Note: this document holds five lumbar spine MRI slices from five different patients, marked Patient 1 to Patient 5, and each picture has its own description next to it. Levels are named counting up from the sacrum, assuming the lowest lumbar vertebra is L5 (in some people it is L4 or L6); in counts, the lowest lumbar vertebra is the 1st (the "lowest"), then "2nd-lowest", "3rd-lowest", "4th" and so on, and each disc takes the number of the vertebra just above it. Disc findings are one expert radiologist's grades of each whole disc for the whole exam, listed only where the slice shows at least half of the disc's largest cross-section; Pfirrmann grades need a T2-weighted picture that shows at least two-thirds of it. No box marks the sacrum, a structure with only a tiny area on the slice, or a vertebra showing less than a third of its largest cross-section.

Patient 1 of 5:
Sex M | T2 SPACE (3D) sagittal MRI of the lumbar spine

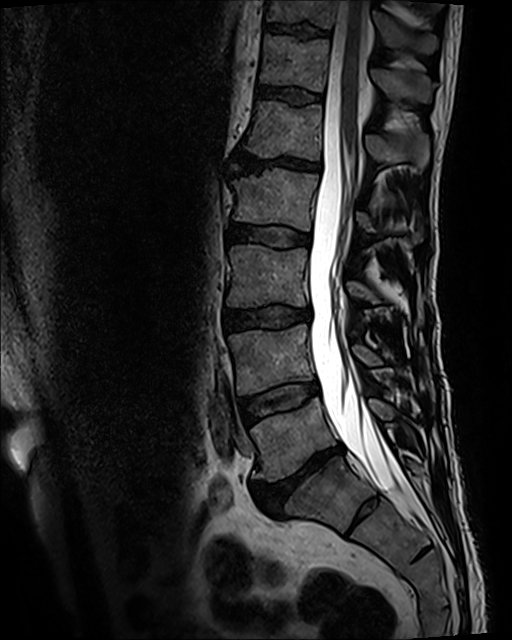

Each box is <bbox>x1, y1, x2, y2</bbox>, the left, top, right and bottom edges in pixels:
2nd-lowest vertebra — <bbox>228, 325, 381, 395</bbox>.
5th disc — <bbox>234, 152, 320, 173</bbox>.
7th disc — <bbox>265, 24, 328, 37</bbox>.
7th vertebra — <bbox>267, 0, 437, 54</bbox>.
3rd-lowest vertebra — <bbox>227, 244, 378, 306</bbox>.
Spinal canal — <bbox>308, 0, 405, 491</bbox>.
4th vertebra — <bbox>231, 167, 416, 241</bbox>.
Lowest vertebra — <bbox>251, 398, 396, 481</bbox>.
Lowest disc — <bbox>254, 445, 343, 510</bbox>.
4th disc — <bbox>228, 223, 311, 247</bbox>.
3rd-lowest disc — <bbox>223, 306, 310, 329</bbox>.
6th disc — <bbox>257, 85, 321, 104</bbox>.
2nd-lowest disc — <bbox>240, 382, 318, 422</bbox>.
5th vertebra — <bbox>244, 101, 428, 168</bbox>.
6th vertebra — <bbox>259, 34, 433, 102</bbox>.

Radiological gradings:
  7th disc: Pfirrmann grade 3, lower-endplate change, upper-endplate change
  lowest disc: Pfirrmann grade 5, disc bulging, lower-endplate change, disc narrowing, Modic type II, upper-endplate change
  6th disc: Pfirrmann grade 3
  5th disc: Pfirrmann grade 5, disc narrowing, upper-endplate change, Modic type II, lower-endplate change, disc bulging
  2nd-lowest disc: Pfirrmann grade 3, Modic type II
  3rd-lowest disc: Pfirrmann grade 3, disc bulging, upper-endplate change, lower-endplate change
  4th disc: Pfirrmann grade 3

Patient 2 of 5:
Sagittal T1-weighted lumbar spine MRI 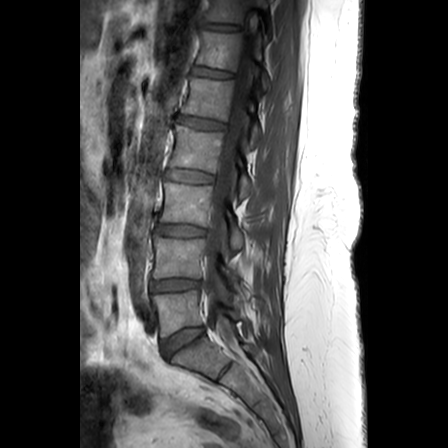

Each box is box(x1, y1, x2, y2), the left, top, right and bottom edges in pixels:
IVD L5/S1 — box(161, 326, 203, 356).
IVD L4/L5 — box(151, 278, 199, 291).
L1 vertebra — box(183, 77, 261, 145).
L2 — box(170, 124, 252, 197).
T12/L1 — box(193, 66, 232, 77).
L3/L4 — box(156, 224, 204, 235).
Spinal canal — box(203, 54, 250, 336).
L5 — box(152, 290, 246, 336).
L4 vertebra — box(152, 234, 239, 286).
IVD L2/L3 — box(166, 169, 213, 182).
T12 vertebra — box(196, 30, 269, 90).
T11 — box(204, 0, 267, 23).
T11/T12 — box(200, 22, 240, 30).
L1/L2 — box(176, 115, 225, 130).
L3 — box(159, 182, 242, 247).

Expert MSK radiologist gradings (per disc):
  L4/L5: disc narrowing
  L3/L4: upper-endplate change
  L1/L2: Modic type II, disc bulging, upper-endplate change
  L5/S1, L2/L3, T11/T12, T12/L1: no herniation, bulging, narrowing, spondylolisthesis, endplate or Modic change recorded

Patient 3 of 5:
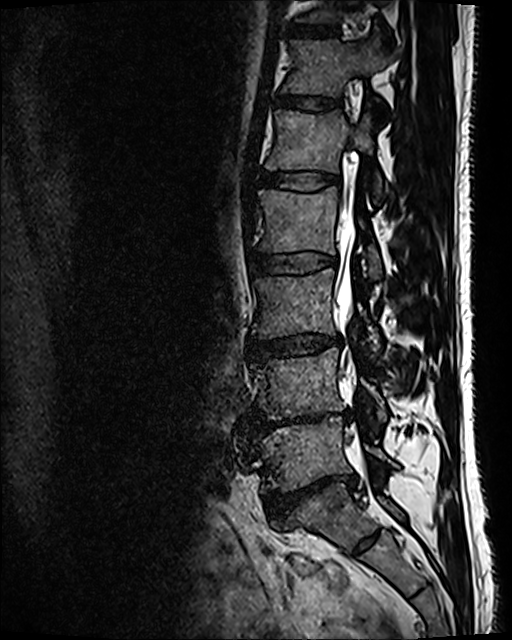 Sagittal T2 SPACE (3D) lumbar spine MRI; Slice 71/120; Field of view 240x300 mm

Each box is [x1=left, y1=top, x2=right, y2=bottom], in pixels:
L5/S1: [x1=265, y1=474, x2=356, y2=521]
T12/L1: [x1=277, y1=95, x2=341, y2=110]
L3/L4: [x1=249, y1=335, x2=340, y2=359]
L2/L3: [x1=251, y1=253, x2=335, y2=275]
L5: [x1=259, y1=419, x2=396, y2=494]
IVD L4/L5: [x1=249, y1=412, x2=336, y2=428]
L4: [x1=253, y1=348, x2=387, y2=421]
L3 vertebra: [x1=252, y1=269, x2=380, y2=350]
T12: [x1=282, y1=40, x2=391, y2=95]
IVD L1/L2: [x1=259, y1=171, x2=339, y2=190]
L2 vertebra: [x1=258, y1=187, x2=381, y2=279]
thecal sac / spinal canal: [x1=334, y1=189, x2=357, y2=440]
L1 vertebra: [x1=266, y1=110, x2=380, y2=191]
IVD T11/T12: [x1=288, y1=26, x2=340, y2=39]

Degenerative findings by level:
  L3/L4: Pfirrmann grade 3, disc narrowing, disc bulging
  L2/L3: Pfirrmann grade 2
  L1/L2: Pfirrmann grade 2
  T12/L1: Pfirrmann grade 2
  L5/S1: Pfirrmann grade 5, lower-endplate change, disc bulging, spondylolisthesis, disc narrowing
  T11/T12: no Modic or endplate change, herniation, narrowing, bulging or spondylolisthesis recorded

Patient 4 of 5:
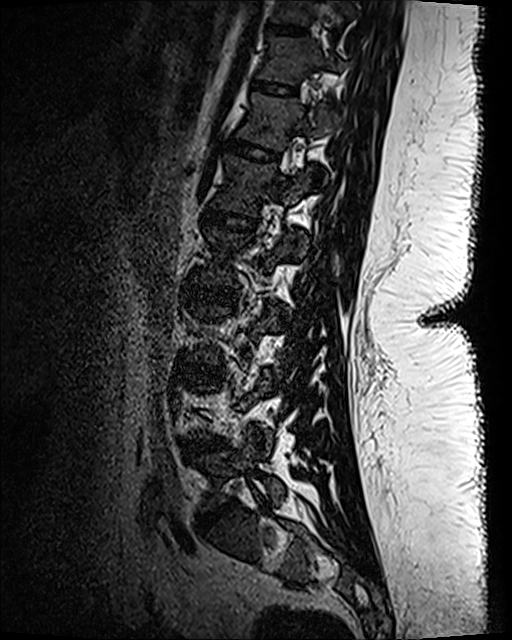 Slice 76 of 120. T2 SPACE (3D) sagittal MRI of the lumbar spine. Image 512x640.
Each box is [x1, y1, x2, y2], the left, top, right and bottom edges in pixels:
6th disc = [224, 137, 281, 163].
4th disc = [187, 283, 236, 305].
6th vertebra = [239, 94, 333, 149].
7th disc = [250, 78, 296, 96].
Lowest disc = [200, 500, 237, 528].
8th vertebra = [271, 0, 350, 26].
4th vertebra = [199, 228, 308, 285].
2nd-lowest disc = [183, 439, 225, 455].
Lowest vertebra = [200, 429, 284, 511].
7th vertebra = [258, 36, 339, 83].
5th vertebra = [210, 152, 312, 216].
5th disc = [203, 210, 256, 231].
3rd-lowest disc = [179, 364, 224, 378].
8th disc = [269, 25, 305, 35].

Radiological gradings:
  7th disc: Pfirrmann grade 1
  6th disc: Pfirrmann grade 1
  5th disc, 4th disc, 8th disc: no spondylolisthesis, narrowing, bulging, herniation, Modic or endplate change recorded

Patient 5 of 5:
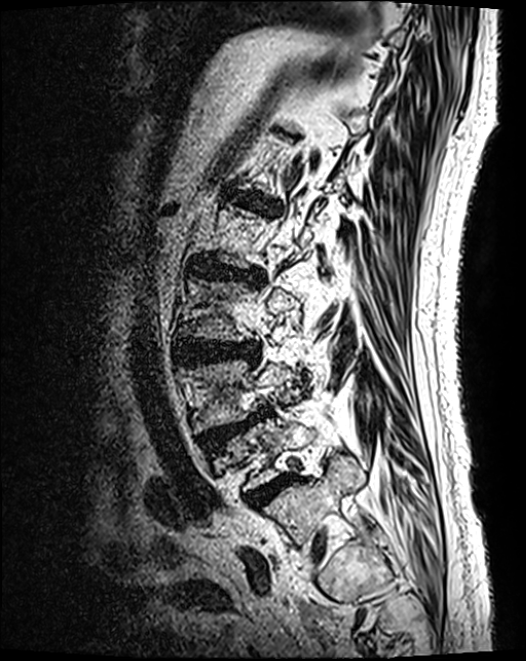
Slice 32/124. Sagittal T2 SPACE (3D) lumbar spine MRI. Sex M.
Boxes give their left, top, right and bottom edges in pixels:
Lowest disc: left=248, top=476, right=292, bottom=506.
3rd-lowest disc: left=180, top=342, right=251, bottom=363.
4th disc: left=196, top=262, right=261, bottom=281.
2nd-lowest vertebra: left=188, top=361, right=289, bottom=430.
5th disc: left=237, top=194, right=273, bottom=208.
2nd-lowest disc: left=206, top=414, right=260, bottom=444.
Lowest vertebra: left=223, top=412, right=320, bottom=491.

Expert MSK radiologist gradings (per disc):
  3rd-lowest disc: disc bulging